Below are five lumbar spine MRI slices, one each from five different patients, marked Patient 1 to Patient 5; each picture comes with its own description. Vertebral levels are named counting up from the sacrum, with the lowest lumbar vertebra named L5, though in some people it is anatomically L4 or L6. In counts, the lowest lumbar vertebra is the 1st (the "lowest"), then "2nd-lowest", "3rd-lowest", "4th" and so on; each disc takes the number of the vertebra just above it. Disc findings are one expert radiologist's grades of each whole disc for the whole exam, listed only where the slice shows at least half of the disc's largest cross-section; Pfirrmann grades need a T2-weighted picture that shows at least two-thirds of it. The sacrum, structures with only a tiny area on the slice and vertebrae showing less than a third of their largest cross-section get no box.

Patient 1 of 5:
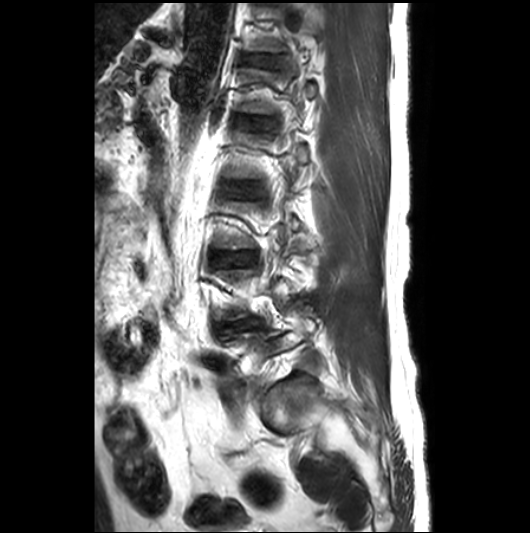 Field of view 280x282 mm, slice spacing 3.3 mm, Lumbar spine MR, T2-weighted, sagittal, 530x533 px, Patient sex: M
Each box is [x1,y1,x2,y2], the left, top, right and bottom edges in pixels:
4th disc at [227,182,260,198].
2nd-lowest disc at [214,316,265,332].
5th disc at [234,117,276,129].
3rd-lowest disc at [213,252,254,263].
6th disc at [242,54,277,65].

Patient 2 of 5:
Sagittal T1-weighted lumbar spine MRI | 512x512 px
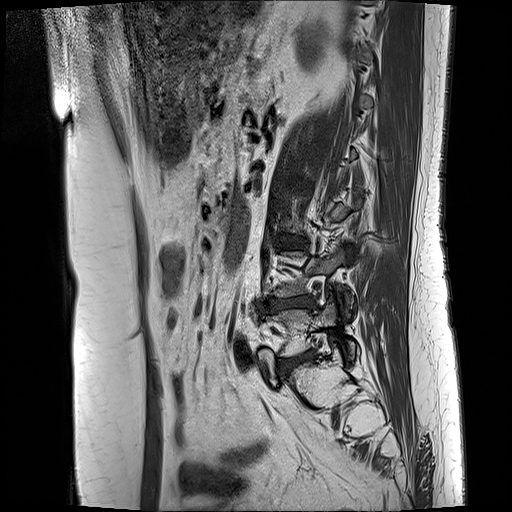

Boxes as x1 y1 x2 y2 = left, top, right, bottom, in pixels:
{"3rd-lowest disc": "279 237 307 246", "2nd-lowest disc": "262 297 317 311", "lowest disc": "278 352 316 373", "2nd-lowest vertebra": "271 250 354 317", "lowest vertebra": "270 298 358 357"}

Degenerative findings by level:
  2nd-lowest disc: lower-endplate change, disc narrowing, disc bulging, Modic type II, upper-endplate change

Patient 3 of 5:
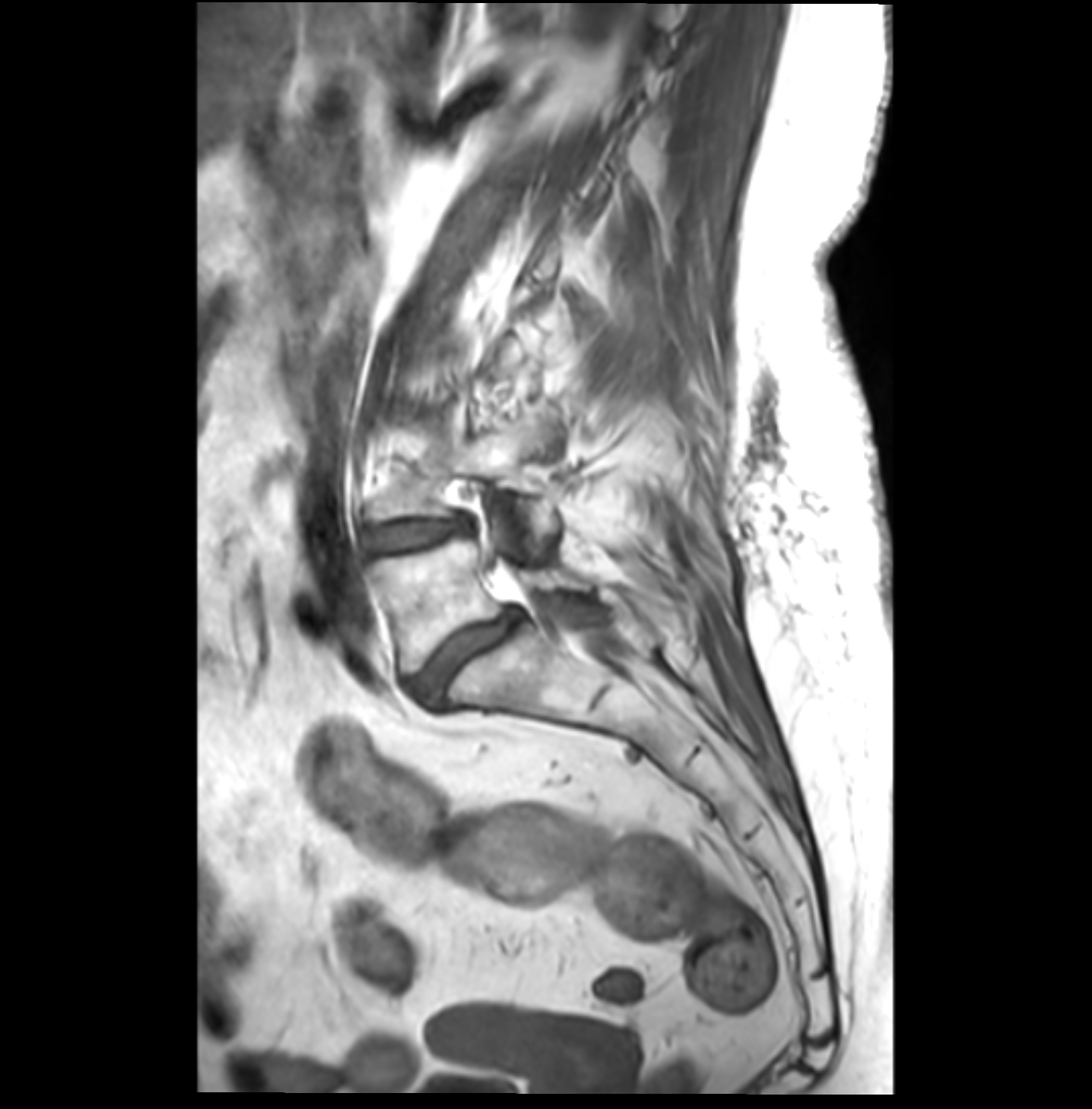 Slice 15/36. Slice spacing 3.4 mm. Lumbar spine MR, T1-weighted, sagittal.
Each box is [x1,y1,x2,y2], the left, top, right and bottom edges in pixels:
L5/S1 (lowest disc) — [413,609,522,699].
L5 (lowest vertebra) — [368,502,589,670].
Intervertebral disc L4/L5 (2nd-lowest disc) — [362,518,465,553].
L4 (2nd-lowest vertebra) — [366,404,559,543].

Expert MSK radiologist gradings (per disc):
• L4/L5 (2nd-lowest disc): disc narrowing, disc bulging, Modic type II
• L5/S1 (lowest disc): disc bulging, disc narrowing, Modic type II, spondylolisthesis

Patient 4 of 5:
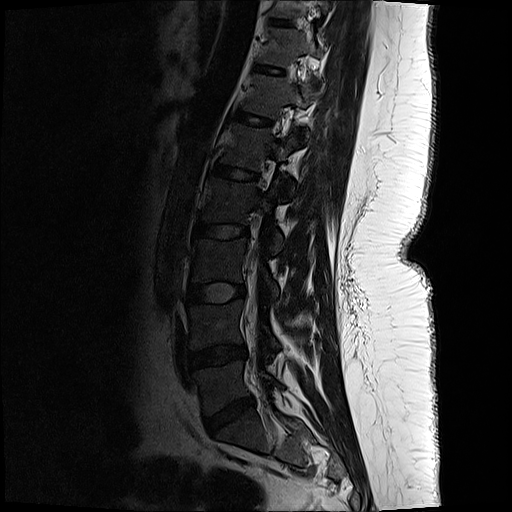 MRI lumbar spine (T2-weighted), sagittal plane. Field of view 300x300 mm, slice spacing 3.3 mm.
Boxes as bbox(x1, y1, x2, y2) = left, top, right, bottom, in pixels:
L3 = bbox(192, 239, 278, 296) | L4 = bbox(187, 302, 277, 348) | L3/L4 = bbox(187, 283, 244, 303) | disc T10/T11 = bbox(271, 19, 295, 28) | T12 vertebra = bbox(243, 74, 317, 137) | disc L1/L2 = bbox(209, 162, 262, 182) | T10 = bbox(272, 0, 331, 20) | T11/T12 = bbox(253, 64, 286, 77) | L1 = bbox(219, 123, 297, 193) | L5/S1 = bbox(202, 398, 252, 430) | T12/L1 = bbox(234, 110, 274, 128) | disc L2/L3 = bbox(193, 222, 249, 240) | disc L4/L5 = bbox(187, 345, 244, 368) | thecal sac / spinal canal = bbox(246, 258, 257, 330) | L5 = bbox(193, 361, 270, 414) | L2 vertebra = bbox(203, 177, 283, 252) | T11 vertebra = bbox(259, 28, 319, 67)

Radiological gradings:
• T12/L1: Pfirrmann grade 1
• L4/L5: Pfirrmann grade 3, disc narrowing, disc bulging
• L3/L4: Pfirrmann grade 1
• L5/S1: Pfirrmann grade 4, disc narrowing, disc bulging
• L1/L2: Pfirrmann grade 1
• L2/L3: Pfirrmann grade 1
• T11/T12: no Modic or endplate change, herniation, narrowing, bulging or spondylolisthesis recorded

Patient 5 of 5:
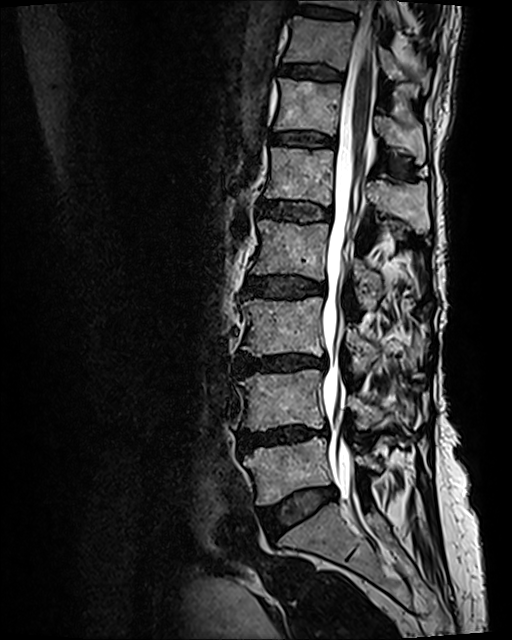

Lumbar spine MR, T2 SPACE (3D), sagittal. Slice spacing 0.9 mm. Sex F.

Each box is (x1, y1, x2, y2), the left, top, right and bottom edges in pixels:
7th disc — (281, 64, 343, 78).
5th disc — (259, 200, 331, 221).
Lowest vertebra — (243, 437, 382, 505).
4th disc — (246, 273, 325, 297).
3rd-lowest disc — (238, 354, 327, 372).
6th vertebra — (274, 77, 425, 163).
4th vertebra — (253, 220, 418, 307).
5th vertebra — (265, 147, 428, 233).
2nd-lowest disc — (240, 423, 327, 449).
Spinal canal — (322, 14, 376, 524).
6th disc — (272, 131, 334, 146).
Lowest disc — (261, 488, 335, 531).
7th vertebra — (284, 16, 430, 91).
2nd-lowest vertebra — (239, 369, 384, 430).
8th disc — (297, 6, 353, 17).
3rd-lowest vertebra — (242, 296, 426, 372).
8th vertebra — (303, 0, 399, 25).

Radiological gradings:
- 6th disc: Pfirrmann grade 2, Modic type II, upper-endplate change, lower-endplate change
- 2nd-lowest disc: Pfirrmann grade 4, disc bulging, upper-endplate change, disc narrowing, lower-endplate change, Modic type II
- 5th disc: Pfirrmann grade 3, lower-endplate change, Modic type II, upper-endplate change
- lowest disc: Pfirrmann grade 2, disc bulging
- 7th disc: Pfirrmann grade 2, upper-endplate change, Modic type II, lower-endplate change
- 8th disc: Pfirrmann grade 2, upper-endplate change, lower-endplate change
- 3rd-lowest disc: Pfirrmann grade 4, lower-endplate change, Modic type II, disc narrowing, disc bulging, upper-endplate change
- 4th disc: Pfirrmann grade 3, upper-endplate change, disc bulging, Modic type II, lower-endplate change